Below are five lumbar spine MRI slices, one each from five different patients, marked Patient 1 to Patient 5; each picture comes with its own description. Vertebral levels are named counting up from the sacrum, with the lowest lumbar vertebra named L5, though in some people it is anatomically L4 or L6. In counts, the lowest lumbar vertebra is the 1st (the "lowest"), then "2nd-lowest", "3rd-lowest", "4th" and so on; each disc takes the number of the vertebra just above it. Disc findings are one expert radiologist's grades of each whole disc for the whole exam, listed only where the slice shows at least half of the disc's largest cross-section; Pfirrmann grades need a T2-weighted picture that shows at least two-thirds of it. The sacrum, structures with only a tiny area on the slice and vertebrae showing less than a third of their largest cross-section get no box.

Patient 1 of 5:
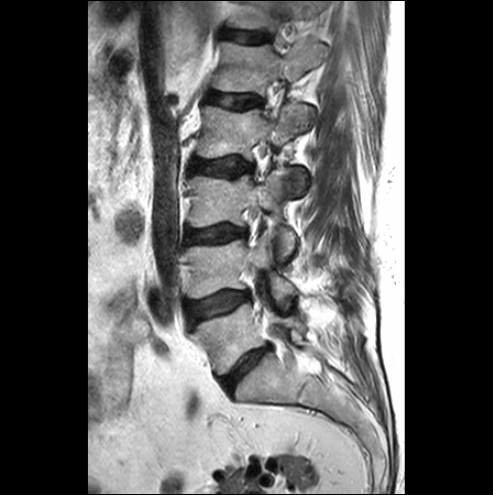 T2-weighted sagittal MRI of the lumbar spine. Sagittal slice index 8. Field of view 280x281 mm, slice spacing 3.3 mm.

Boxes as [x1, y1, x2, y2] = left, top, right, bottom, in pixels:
Segmented structures:
* L3/L4: [187, 226, 245, 242]
* T12 vertebra: [232, 1, 323, 30]
* L1 vertebra: [216, 40, 327, 94]
* L3 vertebra: [189, 167, 295, 261]
* L5 vertebra: [192, 303, 306, 374]
* L1/L2: [208, 92, 261, 108]
* L2 vertebra: [198, 104, 311, 196]
* T12/L1: [223, 31, 271, 43]
* L2/L3: [191, 159, 252, 175]
* disc L5/S1: [221, 347, 270, 390]
* L4/L5: [188, 292, 248, 322]
* L4 vertebra: [186, 233, 295, 309]

Radiological gradings:
  L1/L2: Pfirrmann grade 1
  L4/L5: Pfirrmann grade 1, disc bulging, Modic type III
  L3/L4: Pfirrmann grade 3, disc bulging
  L5/S1: disc bulging, disc narrowing
  L2/L3: Pfirrmann grade 1
  T12/L1: Pfirrmann grade 1

Patient 2 of 5:
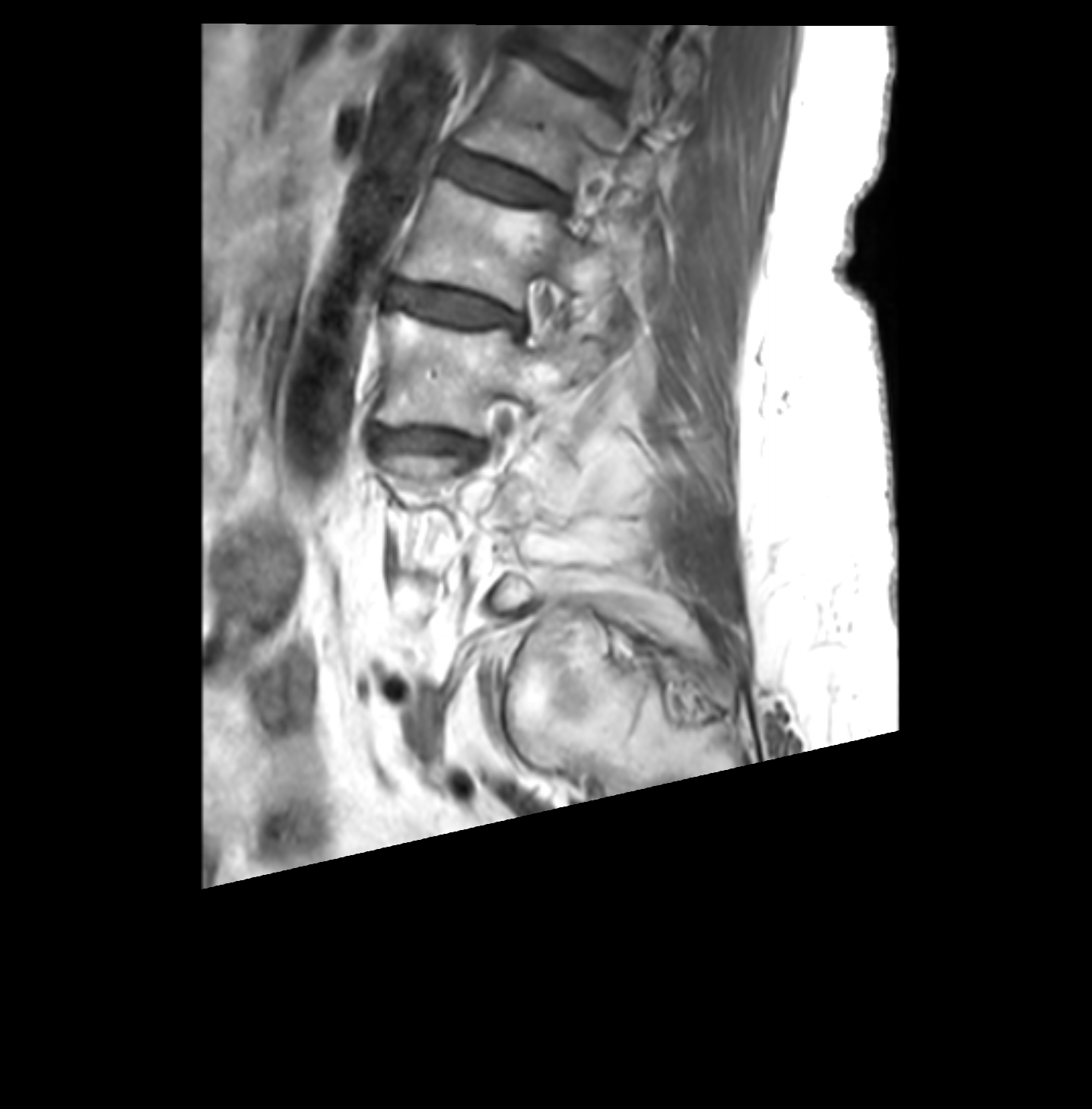 Lumbar spine MR, T1-weighted, sagittal | Slice 28/36 | Image 1092x1109 | Slice spacing 3.4 mm
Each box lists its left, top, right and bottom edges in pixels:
L2 (4th vertebra) = left=401, top=177, right=621, bottom=306.
L1 (5th vertebra) = left=462, top=59, right=648, bottom=188.
L1/L2 (5th disc) = left=446, top=149, right=559, bottom=204.
IVD L2/L3 (4th disc) = left=391, top=284, right=518, bottom=328.
L3/L4 (3rd-lowest disc) = left=374, top=428, right=487, bottom=458.
L3 (3rd-lowest vertebra) = left=376, top=312, right=597, bottom=434.
IVD T12/L1 (6th disc) = left=533, top=52, right=597, bottom=88.

Per-level radiological findings:
- L2/L3 (4th disc): disc bulging, Modic type II
- L1/L2 (5th disc): Modic type II
- L3/L4 (3rd-lowest disc): disc narrowing, Modic type II, disc bulging

Patient 3 of 5:
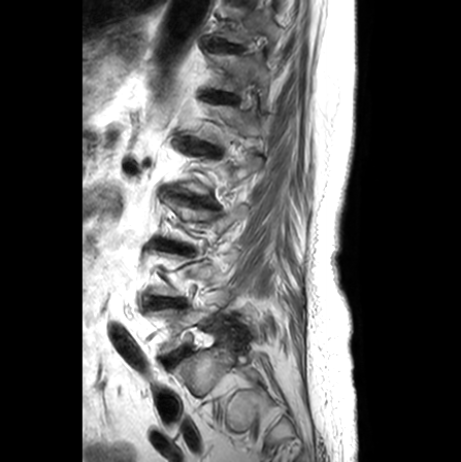 Sagittal slice index 18. MRI lumbar spine (T2-weighted), sagittal plane. 461x462 px.
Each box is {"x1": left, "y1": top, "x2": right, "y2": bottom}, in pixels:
• L1: {"x1": 192, "y1": 103, "x2": 265, "y2": 144}
• disc T11/T12: {"x1": 207, "y1": 41, "x2": 243, "y2": 52}
• L5/S1: {"x1": 164, "y1": 349, "x2": 187, "y2": 367}
• T12 vertebra: {"x1": 205, "y1": 50, "x2": 270, "y2": 112}
• L5: {"x1": 146, "y1": 290, "x2": 242, "y2": 355}
• T11 vertebra: {"x1": 216, "y1": 5, "x2": 280, "y2": 49}
• L3/L4: {"x1": 163, "y1": 243, "x2": 189, "y2": 251}
• disc T12/L1: {"x1": 211, "y1": 93, "x2": 237, "y2": 102}
• disc L1/L2: {"x1": 200, "y1": 145, "x2": 217, "y2": 152}
• disc L4/L5: {"x1": 148, "y1": 297, "x2": 183, "y2": 307}

Degenerative findings by level:
  T11/T12: Pfirrmann grade 1

Patient 4 of 5:
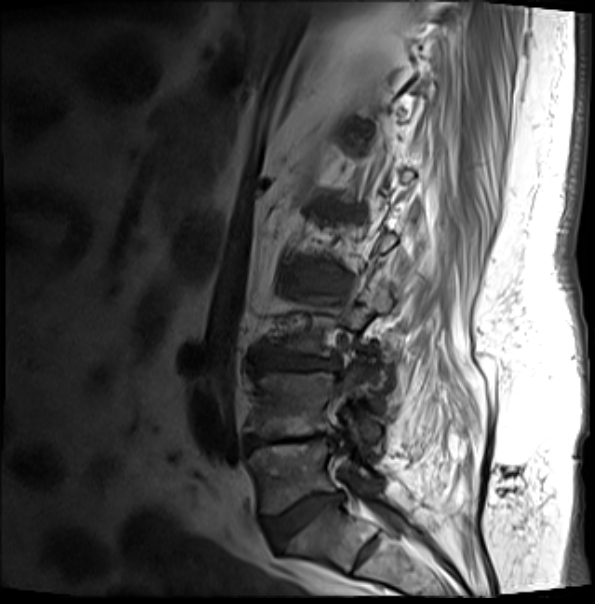 Slice 7 of 20; Slice spacing 4.9 mm; Image 595x604; MRI lumbar spine (T1-weighted), sagittal plane

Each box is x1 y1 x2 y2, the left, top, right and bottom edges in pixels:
L3/L4 at 259 353 336 370, L5/S1 at 264 493 341 548, L5 at 249 441 369 514, IVD L4/L5 at 246 434 336 450, L3 vertebra at 277 285 392 386, L4 vertebra at 246 363 380 450.

Expert MSK radiologist gradings (per disc):
• L5/S1: disc bulging, upper-endplate change, disc narrowing, Modic type II, lower-endplate change
• L4/L5: disc bulging, disc narrowing, Modic type II, lower-endplate change, upper-endplate change
• L3/L4: disc narrowing, lower-endplate change, Modic type II, disc bulging, upper-endplate change

Patient 5 of 5:
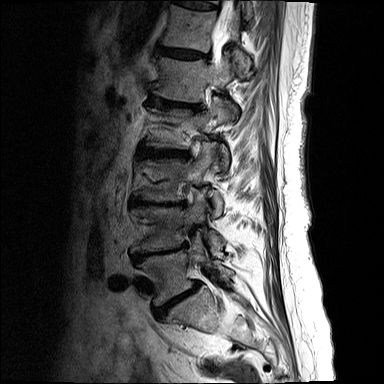
Slice spacing 4.8 mm. MRI lumbar spine (T2-weighted), sagittal plane.
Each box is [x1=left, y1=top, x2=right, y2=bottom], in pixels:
lowest disc: [x1=155, y1=284, x2=199, y2=316]
5th vertebra: [x1=153, y1=52, x2=238, y2=115]
4th disc: [x1=142, y1=148, x2=188, y2=158]
7th disc: [x1=179, y1=1, x2=217, y2=9]
6th disc: [x1=159, y1=47, x2=207, y2=58]
4th vertebra: [x1=147, y1=97, x2=231, y2=168]
5th disc: [x1=150, y1=97, x2=201, y2=110]
2nd-lowest disc: [x1=133, y1=245, x2=185, y2=262]
2nd-lowest vertebra: [x1=131, y1=200, x2=225, y2=255]
spinal canal: [x1=212, y1=1, x2=231, y2=68]
3rd-lowest disc: [x1=130, y1=199, x2=185, y2=206]
3rd-lowest vertebra: [x1=136, y1=142, x2=223, y2=217]
6th vertebra: [x1=162, y1=5, x2=250, y2=75]
lowest vertebra: [x1=140, y1=242, x2=233, y2=305]

Radiological gradings:
• 4th disc: upper-endplate change, lower-endplate change, disc bulging, disc narrowing, Modic type II
• 6th disc: Pfirrmann grade 4, disc bulging, Modic type II, upper-endplate change, lower-endplate change
• 5th disc: Pfirrmann grade 5, lower-endplate change, upper-endplate change, disc bulging, Modic type II, disc narrowing
• 7th disc: Pfirrmann grade 4, disc bulging, Modic type II, upper-endplate change, lower-endplate change
• 3rd-lowest disc: disc bulging, upper-endplate change, disc narrowing, lower-endplate change, Modic type II